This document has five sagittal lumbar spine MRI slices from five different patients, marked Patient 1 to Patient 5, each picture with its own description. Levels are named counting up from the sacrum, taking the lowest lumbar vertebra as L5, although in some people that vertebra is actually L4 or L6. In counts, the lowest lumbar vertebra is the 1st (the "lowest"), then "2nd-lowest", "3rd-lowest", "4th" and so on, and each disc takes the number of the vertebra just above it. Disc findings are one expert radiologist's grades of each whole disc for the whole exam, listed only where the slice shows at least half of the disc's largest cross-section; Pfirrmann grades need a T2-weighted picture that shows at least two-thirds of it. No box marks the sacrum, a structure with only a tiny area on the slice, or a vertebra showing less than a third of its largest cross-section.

Patient 1 of 5:
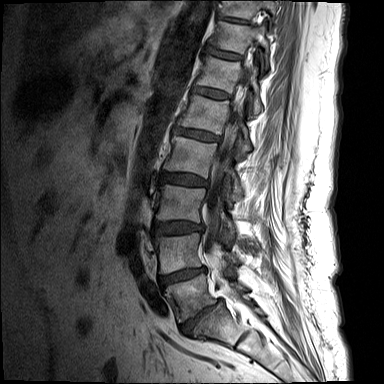 Slice 10 of 15 | 384x384 px | MRI lumbar spine (T1-weighted), sagittal plane

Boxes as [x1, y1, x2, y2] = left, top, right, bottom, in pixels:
8th vertebra at [221, 0, 276, 19].
6th vertebra at [197, 56, 262, 113].
2nd-lowest vertebra at [154, 233, 237, 273].
7th disc at [205, 46, 241, 59].
4th disc at [160, 173, 207, 186].
Lowest disc at [180, 299, 222, 333].
7th vertebra at [212, 21, 269, 56].
Lowest vertebra at [164, 273, 246, 322].
5th disc at [174, 128, 220, 141].
4th vertebra at [164, 136, 243, 197].
Thecal sac / spinal canal at [203, 66, 250, 289].
3rd-lowest disc at [152, 221, 202, 234].
5th vertebra at [178, 95, 251, 152].
3rd-lowest vertebra at [155, 185, 235, 233].
2nd-lowest disc at [159, 267, 205, 286].
6th disc at [192, 86, 229, 99].
8th disc at [217, 14, 248, 24].

Per-level radiological findings:
• 8th disc: lower-endplate change, Modic type II, disc narrowing
• 3rd-lowest disc: disc bulging
• lowest disc: Modic type II, disc bulging, lower-endplate change, disc narrowing, upper-endplate change
• 4th disc: disc bulging
• 7th disc: upper-endplate change, Modic type II
• 5th disc: disc bulging
• 2nd-lowest disc: lower-endplate change, upper-endplate change, disc bulging, disc narrowing, Modic type II
• 6th disc: Modic type II

Patient 2 of 5:
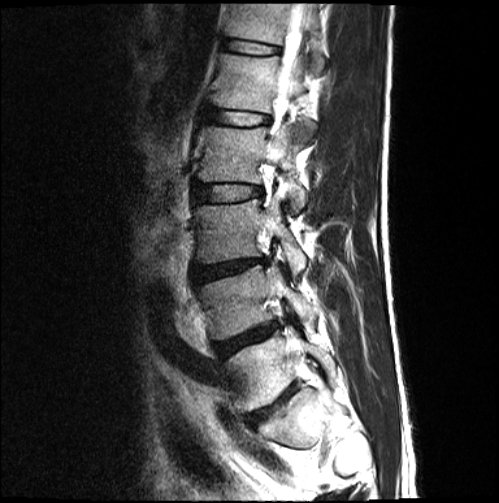

Patient sex: M | T2-weighted sagittal MRI of the lumbar spine
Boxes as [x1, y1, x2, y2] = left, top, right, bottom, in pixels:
Thecal sac / spinal canal at [278, 4, 306, 98], 3rd-lowest disc at [192, 259, 267, 282], 3rd-lowest vertebra at [195, 194, 306, 275], lowest disc at [250, 386, 295, 421], 4th vertebra at [198, 122, 307, 210], 2nd-lowest disc at [214, 322, 278, 358], 5th vertebra at [213, 53, 316, 141], 6th disc at [224, 39, 280, 54], lowest vertebra at [225, 327, 336, 410], 6th vertebra at [225, 3, 324, 73], 4th disc at [194, 183, 262, 202], 5th disc at [208, 109, 269, 126], 2nd-lowest vertebra at [199, 265, 319, 339].

Degenerative findings by level:
• 3rd-lowest disc: Pfirrmann grade 4, upper-endplate change, disc narrowing, lower-endplate change, disc bulging
• 6th disc: Pfirrmann grade 2
• 2nd-lowest disc: Pfirrmann grade 4, lower-endplate change, upper-endplate change, disc narrowing, disc bulging
• 4th disc: Pfirrmann grade 2
• 5th disc: Pfirrmann grade 2

Patient 3 of 5:
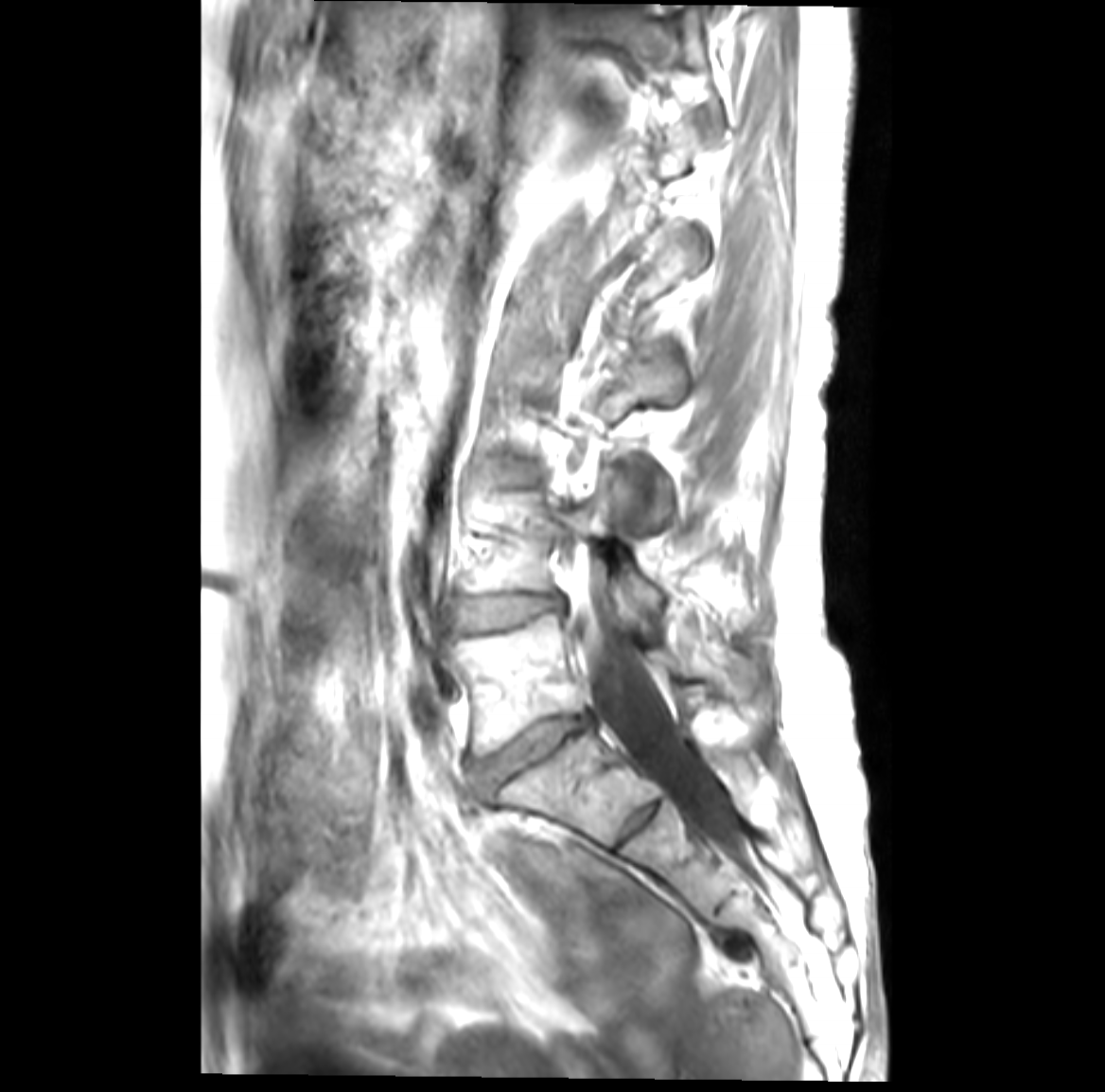 Sagittal slice index 16. Lumbar spine MR, T1-weighted, sagittal.

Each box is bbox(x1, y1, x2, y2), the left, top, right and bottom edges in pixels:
{"L3/L4 (3rd-lowest disc)": "bbox(507, 474, 517, 482)", "IVD L4/L5 (2nd-lowest disc)": "bbox(458, 595, 558, 631)", "L4 (2nd-lowest vertebra)": "bbox(460, 478, 661, 613)", "L5 (lowest vertebra)": "bbox(453, 613, 757, 754)", "thecal sac / spinal canal": "bbox(570, 596, 737, 846)", "L5/S1 (lowest disc)": "bbox(471, 716, 588, 792)"}

Radiological gradings:
- L5/S1 (lowest disc): Modic type II, disc narrowing, disc bulging
- L4/L5 (2nd-lowest disc): Modic type II, disc bulging

Patient 4 of 5:
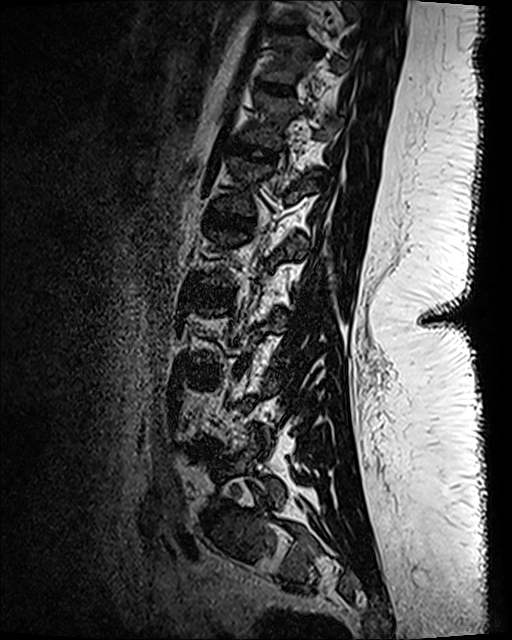

512x640 px. Sagittal T2 SPACE (3D) lumbar spine MRI. Sex F.

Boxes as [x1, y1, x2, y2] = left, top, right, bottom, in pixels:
3rd-lowest disc: [187, 364, 216, 375]
7th disc: [256, 81, 293, 97]
6th disc: [228, 139, 282, 165]
7th vertebra: [265, 37, 346, 82]
4th disc: [190, 285, 234, 304]
5th vertebra: [211, 156, 318, 216]
8th disc: [276, 26, 302, 34]
2nd-lowest disc: [189, 442, 220, 453]
6th vertebra: [241, 93, 339, 150]
5th disc: [205, 211, 253, 231]
lowest disc: [205, 503, 233, 522]

Per-level radiological findings:
- 6th disc: Pfirrmann grade 1
- 7th disc: no herniation, bulging, narrowing, spondylolisthesis, endplate or Modic change recorded

Patient 5 of 5:
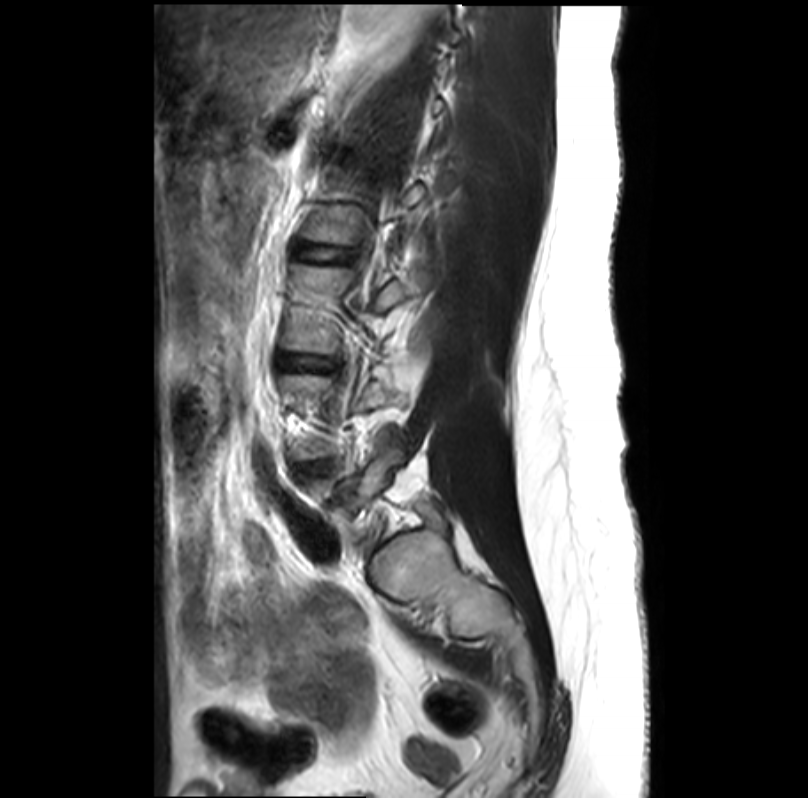
Sex F | T2-weighted sagittal MRI of the lumbar spine | Slice 24/33
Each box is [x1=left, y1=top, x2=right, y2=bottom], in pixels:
L3/L4 (3rd-lowest disc) at [x1=281, y1=356, x2=332, y2=367], L4/L5 (2nd-lowest disc) at [x1=297, y1=463, x2=326, y2=471], L5 (lowest vertebra) at [x1=310, y1=439, x2=398, y2=516], L2/L3 (4th disc) at [x1=297, y1=246, x2=342, y2=259], L3 (3rd-lowest vertebra) at [x1=284, y1=265, x2=425, y2=352].